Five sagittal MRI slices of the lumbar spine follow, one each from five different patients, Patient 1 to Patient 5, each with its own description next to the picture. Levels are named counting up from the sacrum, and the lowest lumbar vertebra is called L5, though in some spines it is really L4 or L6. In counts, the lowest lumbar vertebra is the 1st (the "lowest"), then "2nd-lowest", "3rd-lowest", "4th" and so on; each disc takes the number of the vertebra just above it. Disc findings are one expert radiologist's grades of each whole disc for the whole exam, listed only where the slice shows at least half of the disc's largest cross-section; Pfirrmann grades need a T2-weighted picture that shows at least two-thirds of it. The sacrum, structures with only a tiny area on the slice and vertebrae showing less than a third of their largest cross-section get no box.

Patient 1 of 5:
Sagittal slice index 15, T2-weighted sagittal MRI of the lumbar spine

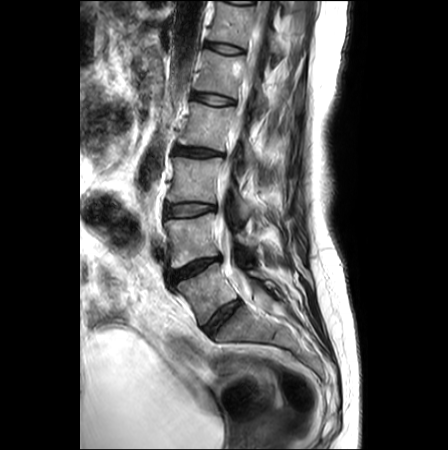 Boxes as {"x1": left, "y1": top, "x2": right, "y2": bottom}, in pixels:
* L1 — {"x1": 196, "y1": 50, "x2": 267, "y2": 111}
* L2/L3 — {"x1": 175, "y1": 146, "x2": 222, "y2": 156}
* L5/S1 — {"x1": 203, "y1": 300, "x2": 240, "y2": 334}
* L4 vertebra — {"x1": 165, "y1": 213, "x2": 257, "y2": 267}
* L5 vertebra — {"x1": 177, "y1": 263, "x2": 269, "y2": 325}
* L3/L4 — {"x1": 166, "y1": 204, "x2": 214, "y2": 216}
* IVD L1/L2 — {"x1": 193, "y1": 93, "x2": 233, "y2": 104}
* L2 — {"x1": 179, "y1": 102, "x2": 257, "y2": 171}
* T12 vertebra — {"x1": 209, "y1": 1, "x2": 282, "y2": 58}
* IVD L4/L5 — {"x1": 169, "y1": 257, "x2": 220, "y2": 282}
* spinal canal — {"x1": 215, "y1": 1, "x2": 269, "y2": 299}
* IVD T12/L1 — {"x1": 207, "y1": 43, "x2": 243, "y2": 52}
* L3 — {"x1": 167, "y1": 157, "x2": 252, "y2": 218}

Radiological gradings:
• L3/L4: Pfirrmann grade 1, disc bulging
• L2/L3: Pfirrmann grade 3, disc bulging
• L4/L5: Pfirrmann grade 4, upper-endplate change, disc narrowing, disc herniation, Modic type II, lower-endplate change
• L5/S1: Pfirrmann grade 2
• L1/L2: Pfirrmann grade 1
• T12/L1: Pfirrmann grade 1

Patient 2 of 5:
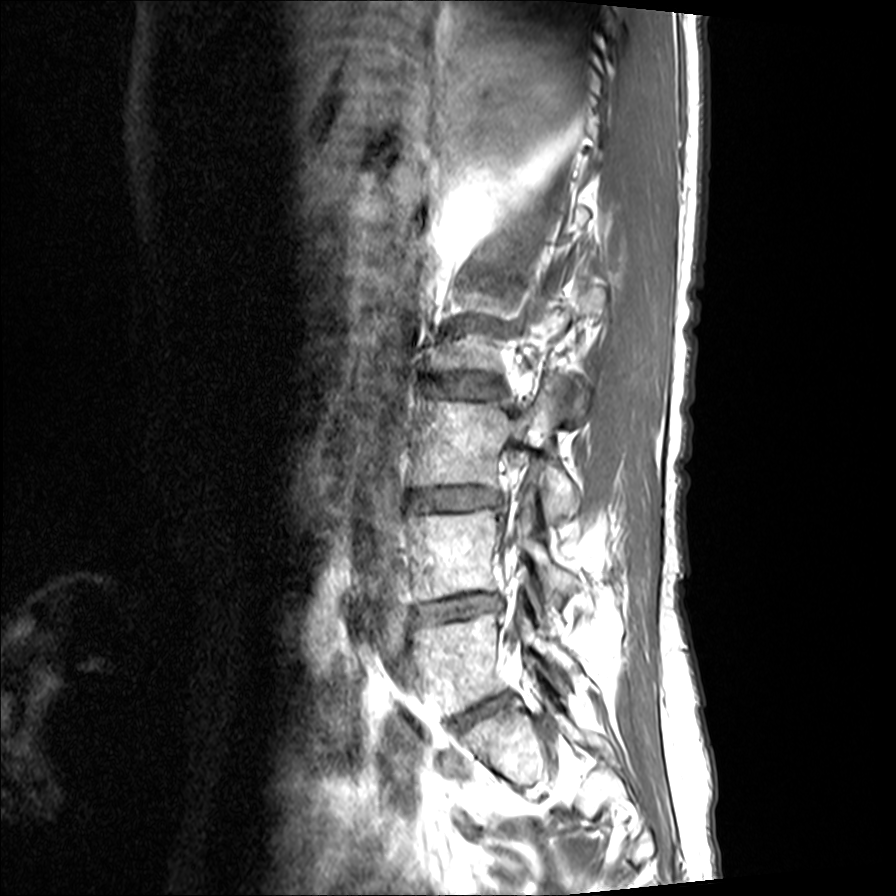 Lumbar spine MR, T1-weighted, sagittal | Image 896x896

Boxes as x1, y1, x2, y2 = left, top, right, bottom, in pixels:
L4: 407, 487, 574, 615.
L5 vertebra: 414, 608, 579, 716.
L3/L4: 409, 487, 499, 509.
L5/S1: 459, 700, 504, 726.
L3: 413, 377, 579, 521.
Disc L4/L5: 413, 594, 498, 622.
Disc L2/L3: 428, 373, 499, 396.

Degenerative findings by level:
  L3/L4: disc bulging, disc narrowing
  L2/L3: Modic type II
  L4/L5: disc narrowing, disc bulging

Patient 3 of 5:
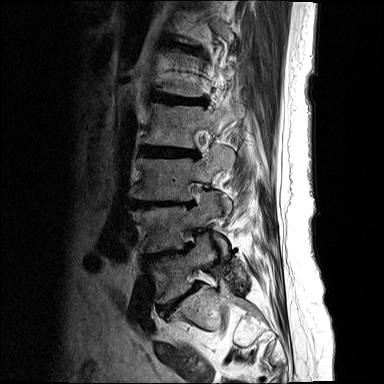

384x384 px. Lumbar spine MR, T2-weighted, sagittal.

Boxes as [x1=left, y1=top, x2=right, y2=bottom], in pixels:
disc L3/L4 (3rd-lowest disc): [x1=132, y1=200, x2=191, y2=208]
L5 (lowest vertebra): [x1=151, y1=234, x2=215, y2=303]
L5/S1 (lowest disc): [x1=160, y1=285, x2=197, y2=314]
L4 (2nd-lowest vertebra): [x1=133, y1=191, x2=228, y2=255]
L2/L3 (4th disc): [x1=140, y1=145, x2=197, y2=156]
L3 (3rd-lowest vertebra): [x1=135, y1=146, x2=232, y2=212]
L1/L2 (5th disc): [x1=154, y1=94, x2=203, y2=103]
L2 (4th vertebra): [x1=143, y1=103, x2=242, y2=147]
L4/L5 (2nd-lowest disc): [x1=150, y1=249, x2=185, y2=258]

Per-level radiological findings:
  L2/L3 (4th disc): Pfirrmann grade 5, upper-endplate change, Modic type II, disc narrowing, disc bulging, lower-endplate change
  L1/L2 (5th disc): Pfirrmann grade 5, Modic type II, disc bulging, upper-endplate change, disc narrowing, lower-endplate change
  L3/L4 (3rd-lowest disc): Pfirrmann grade 5, disc narrowing, lower-endplate change, upper-endplate change, disc bulging, Modic type II

Patient 4 of 5:
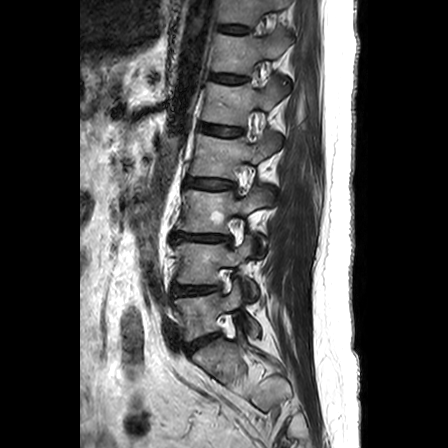 Image 448x448; MRI lumbar spine (T2-weighted), sagittal plane
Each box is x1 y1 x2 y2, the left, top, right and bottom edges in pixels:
T11 vertebra at 219 0 289 25, T12/L1 at 210 73 248 83, L2 vertebra at 190 133 280 179, intervertebral disc L5/S1 at 186 334 219 351, L5 at 174 280 259 342, L4 vertebra at 173 235 258 296, T11/T12 at 218 24 250 33, L3 vertebra at 176 187 270 257, T12 at 212 26 295 73, L1/L2 at 199 124 243 136, intervertebral disc L2/L3 at 186 178 234 189, L1 at 202 76 290 125, intervertebral disc L3/L4 at 172 232 230 243, L4/L5 at 173 285 221 295.

Radiological gradings:
• L4/L5: disc bulging
• T11/T12: Pfirrmann grade 1
• T12/L1: Pfirrmann grade 2
• L2/L3: Pfirrmann grade 1
• L3/L4: Pfirrmann grade 3, disc herniation, Modic type II, lower-endplate change, upper-endplate change, disc narrowing
• L1/L2: Pfirrmann grade 2

Patient 5 of 5:
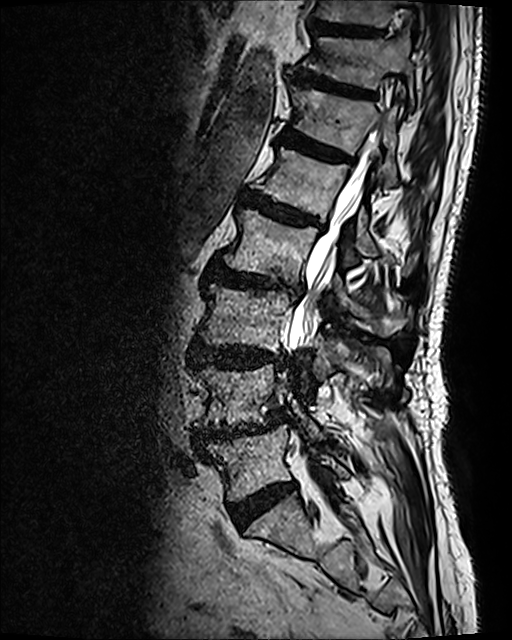 Lumbar spine MR, T2 SPACE (3D), sagittal; Slice spacing 0.9 mm
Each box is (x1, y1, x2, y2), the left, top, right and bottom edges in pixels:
Lowest vertebra = (208, 424, 347, 500).
7th vertebra = (304, 32, 413, 100).
3rd-lowest vertebra = (198, 283, 393, 379).
5th disc = (242, 193, 320, 227).
Lowest disc = (230, 481, 296, 527).
2nd-lowest disc = (194, 413, 282, 448).
3rd-lowest disc = (189, 344, 281, 367).
6th disc = (280, 129, 346, 159).
5th vertebra = (255, 147, 377, 255).
4th vertebra = (224, 209, 411, 336).
8th disc = (306, 22, 382, 39).
8th vertebra = (313, 0, 425, 42).
4th disc = (212, 265, 303, 294).
Thecal sac / spinal canal = (287, 134, 377, 353).
7th disc = (293, 68, 375, 98).
2nd-lowest vertebra = (195, 365, 317, 434).
6th vertebra = (289, 87, 397, 190).

Expert MSK radiologist gradings (per disc):
- 4th disc: Pfirrmann grade 4, Modic type I, upper-endplate change, disc bulging, lower-endplate change, disc narrowing
- 7th disc: Pfirrmann grade 4, upper-endplate change, disc bulging, lower-endplate change
- 5th disc: Pfirrmann grade 4, Modic type II, upper-endplate change, lower-endplate change, disc bulging
- 2nd-lowest disc: Modic type II, upper-endplate change, lower-endplate change, disc narrowing, disc herniation, disc bulging, spondylolisthesis
- lowest disc: Pfirrmann grade 4
- 6th disc: upper-endplate change, Modic type II, disc bulging, lower-endplate change
- 8th disc: Pfirrmann grade 3
- 3rd-lowest disc: Pfirrmann grade 4, disc bulging, lower-endplate change, upper-endplate change